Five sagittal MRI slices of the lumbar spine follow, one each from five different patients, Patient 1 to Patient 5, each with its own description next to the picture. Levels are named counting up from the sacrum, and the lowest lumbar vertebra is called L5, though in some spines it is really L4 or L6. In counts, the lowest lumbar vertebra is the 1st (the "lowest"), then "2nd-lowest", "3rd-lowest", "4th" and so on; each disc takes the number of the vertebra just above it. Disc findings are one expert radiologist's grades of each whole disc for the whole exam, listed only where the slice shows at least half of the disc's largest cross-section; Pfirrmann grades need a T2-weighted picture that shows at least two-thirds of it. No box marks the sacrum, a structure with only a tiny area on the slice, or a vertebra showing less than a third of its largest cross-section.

Patient 1 of 5:
Sagittal T1-weighted lumbar spine MRI, Sex F, 1092x1117 px

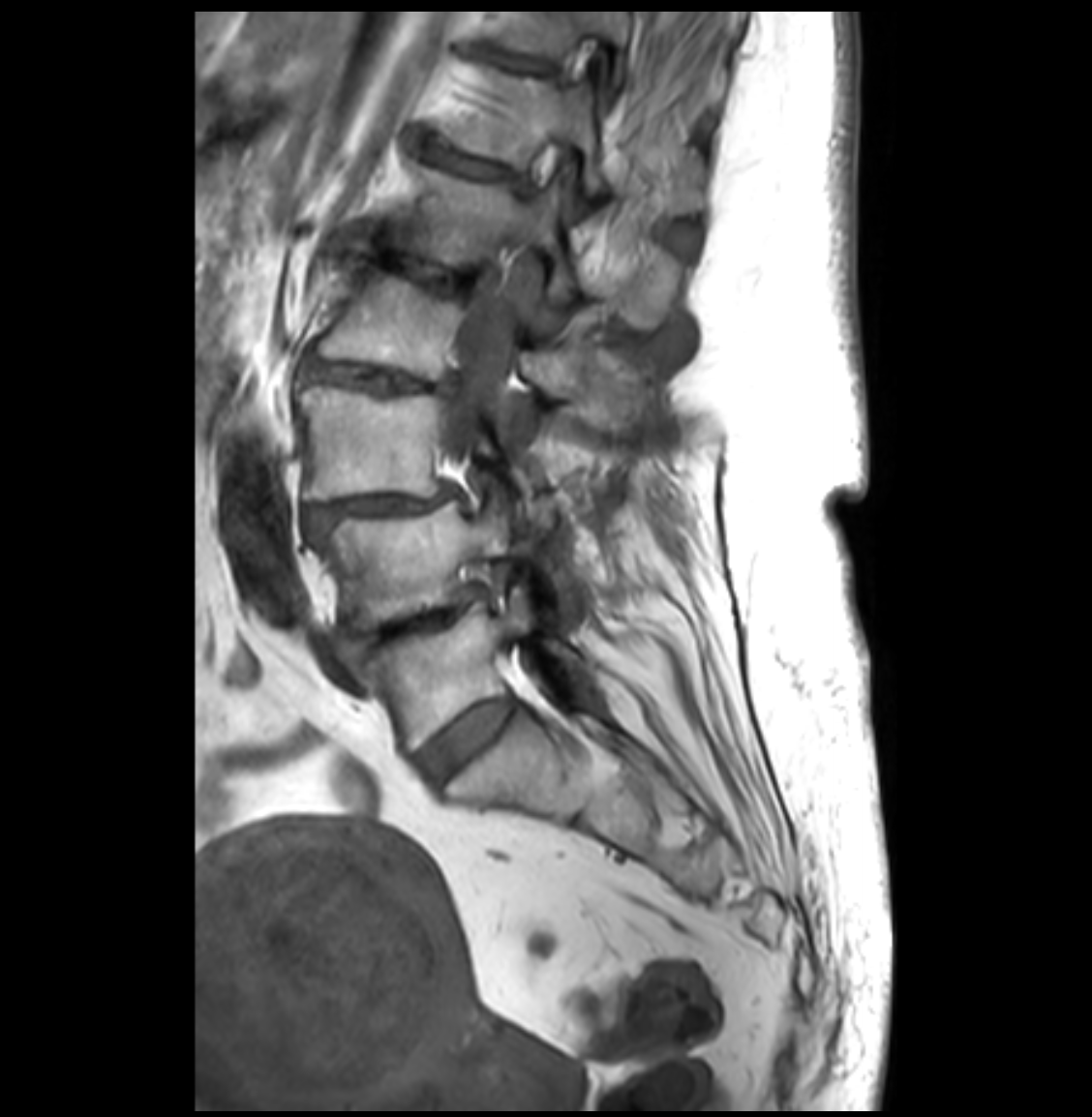
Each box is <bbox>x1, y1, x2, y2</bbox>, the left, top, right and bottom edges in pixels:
L2: <bbox>319, 260, 619, 395</bbox>.
Disc L3/L4: <bbox>307, 488, 452, 528</bbox>.
T11/T12: <bbox>498, 54, 553, 73</bbox>.
Disc L1/L2: <bbox>358, 244, 489, 286</bbox>.
L5/S1: <bbox>417, 698, 516, 782</bbox>.
L4/L5: <bbox>349, 590, 477, 650</bbox>.
Disc L2/L3: <bbox>302, 349, 457, 397</bbox>.
Disc T12/L1: <bbox>422, 143, 513, 180</bbox>.
L3: <bbox>297, 385, 499, 500</bbox>.
L5: <bbox>363, 586, 579, 747</bbox>.
L1: <bbox>385, 161, 682, 330</bbox>.
Spinal canal: <bbox>453, 132, 569, 456</bbox>.
T11 vertebra: <bbox>500, 12, 723, 101</bbox>.
T12 vertebra: <bbox>437, 67, 704, 215</bbox>.
L4 vertebra: <bbox>312, 498, 513, 627</bbox>.

Expert MSK radiologist gradings (per disc):
• L2/L3: upper-endplate change, disc narrowing, disc bulging, lower-endplate change
• L3/L4: spondylolisthesis, disc bulging, disc narrowing
• L1/L2: disc narrowing, lower-endplate change, disc bulging, upper-endplate change
• L4/L5: disc bulging, disc narrowing
• L5/S1: no Modic or endplate change, herniation, narrowing, bulging or spondylolisthesis recorded

Patient 2 of 5:
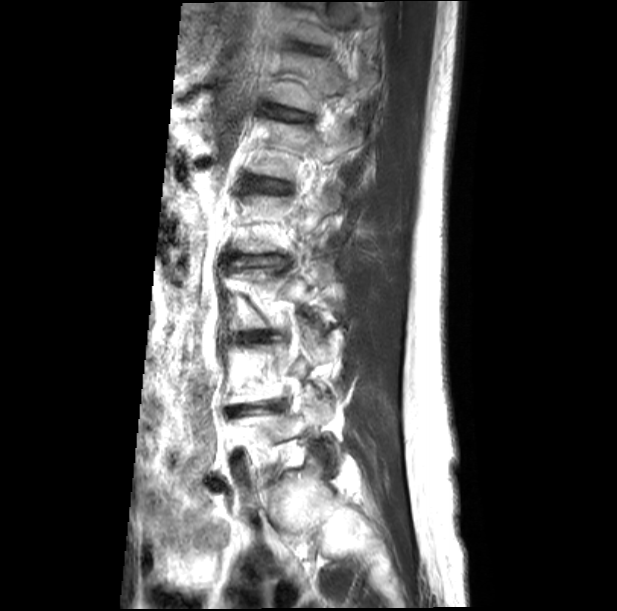

Sex M, Lumbar spine MR, T2-weighted, sagittal, Slice 18 of 21
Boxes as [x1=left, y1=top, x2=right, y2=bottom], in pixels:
IVD T12/L1: [x1=272, y1=106, x2=312, y2=120]
IVD L3/L4: [x1=242, y1=332, x2=268, y2=340]
T11 vertebra: [x1=295, y1=2, x2=379, y2=45]
T12: [x1=272, y1=53, x2=376, y2=113]
L2/L3: [x1=240, y1=256, x2=289, y2=266]
IVD T11/T12: [x1=299, y1=44, x2=324, y2=52]
L1/L2: [x1=252, y1=180, x2=286, y2=192]
L4/L5: [x1=228, y1=402, x2=285, y2=416]
L1 vertebra: [x1=249, y1=121, x2=364, y2=179]

Expert MSK radiologist gradings (per disc):
• T12/L1: disc narrowing, lower-endplate change, upper-endplate change, disc bulging

Patient 3 of 5:
T2 SPACE (3D) sagittal MRI of the lumbar spine. 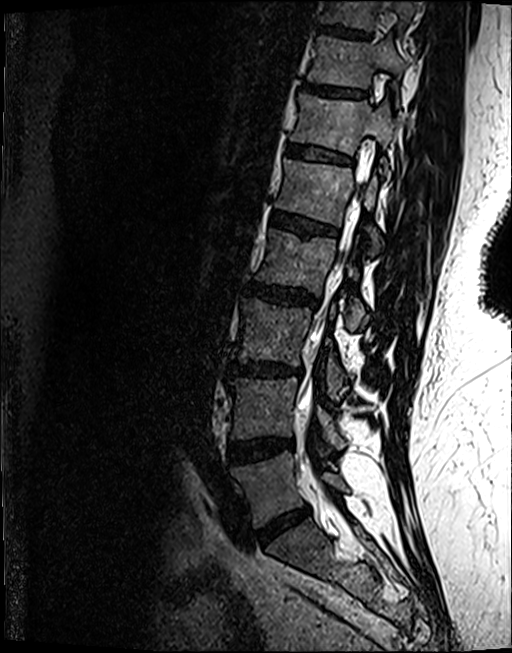

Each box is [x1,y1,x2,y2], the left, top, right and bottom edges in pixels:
L5: [230,451,348,527].
Disc L4/L5: [228,437,293,462].
L4 vertebra: [228,377,346,449].
Disc L3/L4: [229,361,302,376].
Disc T11/T12: [301,81,365,96].
L2/L3: [247,282,319,307].
L2 vertebra: [255,228,367,329].
T12/L1: [287,144,352,162].
L5/S1: [258,506,309,544].
L1 vertebra: [275,158,380,252].
Thecal sac / spinal canal: [297,170,365,488].
T12: [291,93,396,164].
T11: [307,35,406,104].
Disc L1/L2: [271,211,337,234].
Disc T10/T11: [318,24,370,37].
T10: [319,0,414,29].
L3: [234,297,346,398].

Per-level radiological findings:
• L5/S1: Pfirrmann grade 4, disc narrowing, disc bulging
• T12/L1: Pfirrmann grade 3, upper-endplate change, lower-endplate change
• L3/L4: Pfirrmann grade 4, lower-endplate change, upper-endplate change, disc bulging, Modic type II, disc narrowing
• L4/L5: Pfirrmann grade 4, lower-endplate change, disc bulging, Modic type II
• L1/L2: Pfirrmann grade 4, upper-endplate change, lower-endplate change, Modic type II
• T10/T11: Pfirrmann grade 4, lower-endplate change, upper-endplate change
• L2/L3: Pfirrmann grade 4, disc bulging, lower-endplate change, upper-endplate change
• T11/T12: Pfirrmann grade 4, upper-endplate change

Patient 4 of 5:
Field of view 300x300 mm, Lumbar spine MR, T1-weighted, sagittal, 512x512 px

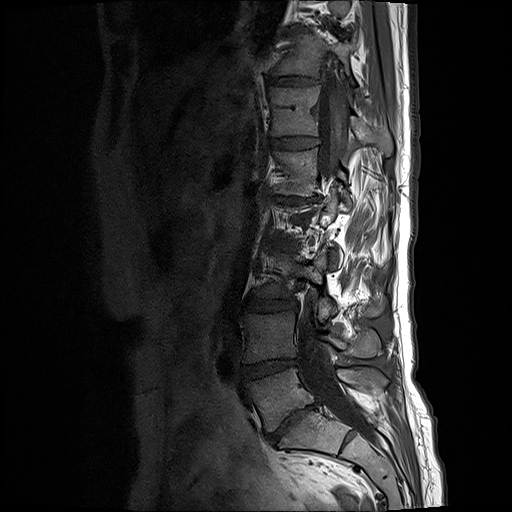
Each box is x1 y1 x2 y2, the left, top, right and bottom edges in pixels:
Annotations:
• L5 vertebra = 245 367 387 431
• spinal canal = 298 54 378 445
• L3/L4 = 243 296 294 310
• L5/S1 = 268 403 316 442
• T12/L1 = 270 137 317 151
• T11 = 272 34 355 86
• L4 vertebra = 244 310 379 362
• disc L1/L2 = 273 195 316 203
• T12 vertebra = 266 87 392 155
• L4/L5 = 240 359 298 379
• L3 vertebra = 256 249 379 320
• disc T11/T12 = 265 75 321 89

Per-level radiological findings:
- L4/L5: Modic type II, disc bulging, disc narrowing
- T11/T12: disc bulging, disc narrowing
- L3/L4: disc bulging
- L1/L2: disc narrowing, Modic type II, disc bulging, upper-endplate change, lower-endplate change
- L5/S1: disc narrowing, lower-endplate change, disc bulging, upper-endplate change, Modic type II
- T12/L1: no herniation, bulging, narrowing, spondylolisthesis, endplate or Modic change recorded

Patient 5 of 5:
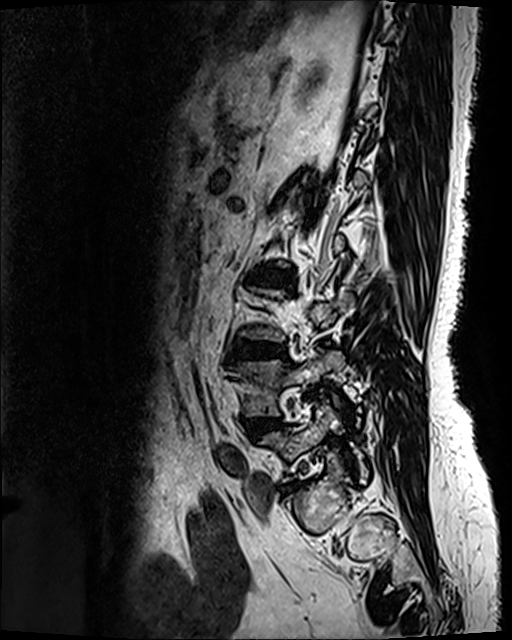

512x640 px | T2 SPACE (3D) sagittal MRI of the lumbar spine

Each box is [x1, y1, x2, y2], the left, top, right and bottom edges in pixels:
Structures:
- lowest vertebra — [261, 403, 368, 480]
- 2nd-lowest disc — [248, 419, 277, 434]
- 3rd-lowest disc — [231, 341, 284, 358]
- 2nd-lowest vertebra — [232, 350, 344, 415]
- 4th disc — [255, 270, 291, 285]

Per-level radiological findings:
  3rd-lowest disc: Pfirrmann grade 4, disc narrowing, Modic type II, lower-endplate change, disc bulging, upper-endplate change